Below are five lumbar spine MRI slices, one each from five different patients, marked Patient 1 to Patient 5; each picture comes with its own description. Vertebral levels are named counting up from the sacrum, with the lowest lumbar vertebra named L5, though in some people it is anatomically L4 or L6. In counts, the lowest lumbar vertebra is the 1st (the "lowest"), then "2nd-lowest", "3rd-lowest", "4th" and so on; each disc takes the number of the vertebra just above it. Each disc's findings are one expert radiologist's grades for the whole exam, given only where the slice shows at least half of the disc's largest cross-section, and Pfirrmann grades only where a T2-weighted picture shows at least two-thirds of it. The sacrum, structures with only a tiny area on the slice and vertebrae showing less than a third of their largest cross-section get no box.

Patient 1 of 5:
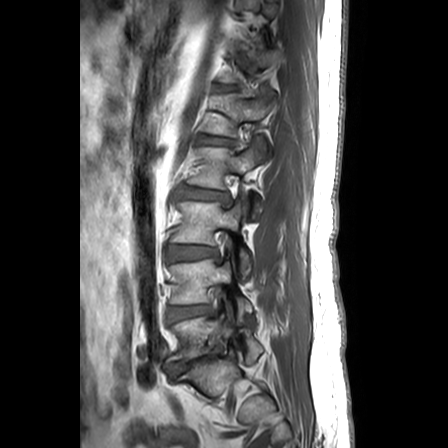 Patient sex: M; MRI lumbar spine (T1-weighted), sagittal plane; Slice spacing 3.3 mm
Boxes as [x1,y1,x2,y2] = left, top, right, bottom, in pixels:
L4 at [171,243,252,320].
L1 at [205,92,274,136].
Disc T12/L1 at [218,86,231,90].
L2 vertebra at [189,137,266,217].
L1/L2 at [200,136,231,144].
L3 at [173,199,251,278].
Disc L4/L5 at [169,306,210,321].
L5/S1 at [169,347,221,375].
L5 at [170,313,262,363].
Disc L2/L3 at [181,188,227,201].
Disc L3/L4 at [170,246,216,259].

Radiological gradings:
- L4/L5: disc bulging, disc narrowing
- L5/S1: Modic type II, lower-endplate change, spondylolisthesis, disc narrowing, upper-endplate change, disc herniation, disc bulging
- L1/L2: lower-endplate change, Modic type II, disc bulging, upper-endplate change
- L2/L3: disc bulging
- L3/L4: disc bulging

Patient 2 of 5:
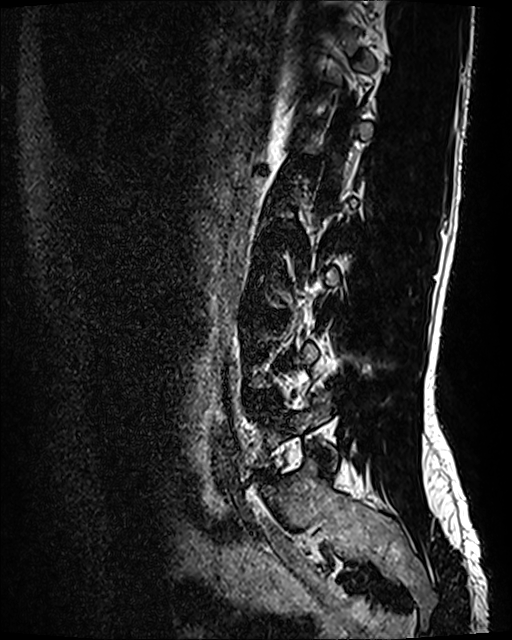
Slice 86/120, Lumbar spine MR, T2 SPACE (3D), sagittal, 512x640 px

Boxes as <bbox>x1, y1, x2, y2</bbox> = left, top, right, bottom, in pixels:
L4/L5 at <bbox>255, 393, 275, 402</bbox> | L1/L2 at <bbox>305, 158, 316, 165</bbox> | L5 vertebra at <bbox>261, 394, 336, 464</bbox> | L3/L4 at <bbox>270, 312, 283, 321</bbox>

Patient 3 of 5:
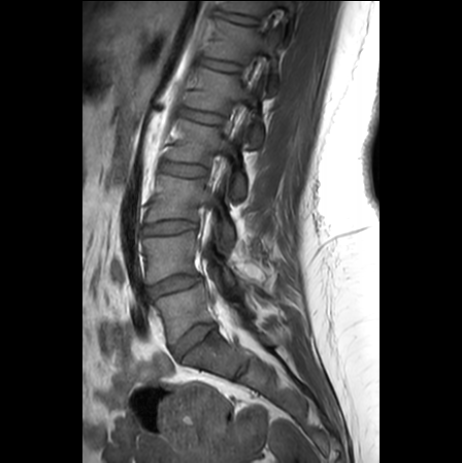 Slice 10 of 24 | T1-weighted sagittal MRI of the lumbar spine | 462x463 px | Sex F

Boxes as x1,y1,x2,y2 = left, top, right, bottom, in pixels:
5th disc at 180,107,224,123; 3rd-lowest disc at 143,220,195,234; 7th disc at 220,11,257,24; 4th vertebra at 167,118,245,198; 3rd-lowest vertebra at 147,174,234,246; lowest disc at 172,322,216,357; 5th vertebra at 185,67,262,146; thecal sac / spinal canal at 201,63,261,340; 2nd-lowest disc at 149,274,201,296; 2nd-lowest vertebra at 144,230,236,284; lowest vertebra at 156,283,253,341; 7th vertebra at 220,0,295,43; 6th vertebra at 205,19,281,91; 4th disc at 161,161,207,175; 6th disc at 200,57,240,72.

Degenerative findings by level:
  2nd-lowest disc: disc bulging, disc narrowing
  lowest disc: disc narrowing, disc bulging
  7th disc, 6th disc, 3rd-lowest disc, 4th disc, 5th disc: no Modic or endplate change, herniation, narrowing, bulging or spondylolisthesis recorded

Patient 4 of 5:
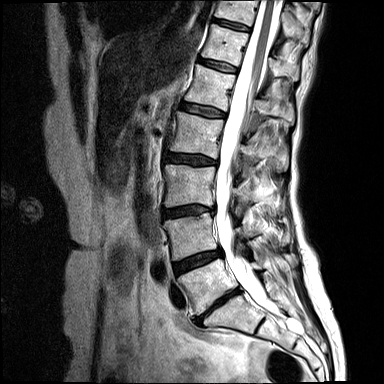
384x384 px. Slice spacing 4.4 mm. MRI lumbar spine (T2-weighted), sagittal plane.
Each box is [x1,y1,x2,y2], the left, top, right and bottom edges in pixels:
L2/L3 at [169,154,217,164], L5 vertebra at [178,259,263,315], L3 vertebra at [165,165,285,210], L3/L4 at [164,206,214,217], T11 vertebra at [215,0,309,43], T12 at [202,24,298,79], IVD L1/L2 at [182,103,226,117], L4 at [164,213,289,260], IVD L5/S1 at [196,290,238,322], IVD T12/L1 at [200,58,237,72], L2 vertebra at [171,112,288,177], spinal canal at [216,0,280,317], IVD T11/T12 at [213,19,250,30], L4/L5 at [173,251,222,274], L1 vertebra at [186,65,294,123].

Radiological gradings:
  T12/L1: Pfirrmann grade 2
  L1/L2: Pfirrmann grade 2, Modic type II
  T11/T12: Pfirrmann grade 2
  L4/L5: Pfirrmann grade 4, Modic type II, disc bulging
  L3/L4: Pfirrmann grade 4, Modic type II, disc bulging, disc narrowing
  L5/S1: Pfirrmann grade 5, disc bulging, upper-endplate change, Modic type II, disc narrowing, lower-endplate change
  L2/L3: Pfirrmann grade 3, disc bulging, Modic type II, upper-endplate change

Patient 5 of 5:
Sagittal T2-weighted lumbar spine MRI
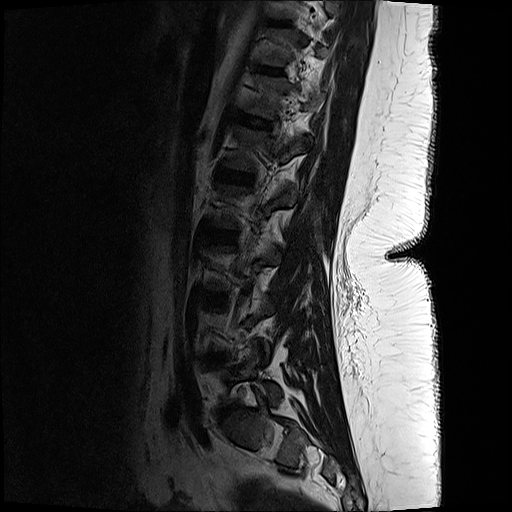 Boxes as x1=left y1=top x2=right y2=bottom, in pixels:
7th disc at x1=260 y1=65 x2=285 y2=77, 8th disc at x1=274 y1=21 x2=291 y2=26, 5th disc at x1=219 y1=169 x2=250 y2=184, 6th disc at x1=235 y1=111 x2=277 y2=132, lowest disc at x1=219 y1=404 x2=234 y2=414, 4th disc at x1=209 y1=230 x2=236 y2=243, 5th vertebra at x1=222 y1=126 x2=307 y2=172, 3rd-lowest disc at x1=203 y1=293 x2=222 y2=298.

Degenerative findings by level:
• 6th disc: Pfirrmann grade 1